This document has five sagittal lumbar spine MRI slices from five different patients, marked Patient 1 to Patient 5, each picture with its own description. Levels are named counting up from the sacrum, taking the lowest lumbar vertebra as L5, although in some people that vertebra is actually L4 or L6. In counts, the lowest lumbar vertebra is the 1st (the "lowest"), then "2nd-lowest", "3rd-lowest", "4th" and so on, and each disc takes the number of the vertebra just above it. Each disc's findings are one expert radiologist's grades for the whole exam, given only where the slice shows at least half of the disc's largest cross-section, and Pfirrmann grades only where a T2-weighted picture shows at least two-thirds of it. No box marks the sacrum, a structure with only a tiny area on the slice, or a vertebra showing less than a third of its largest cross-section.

Patient 1 of 5:
Field of view 300x300 mm, Lumbar spine MR, T1-weighted, sagittal, Image 512x512, Sagittal slice index 14
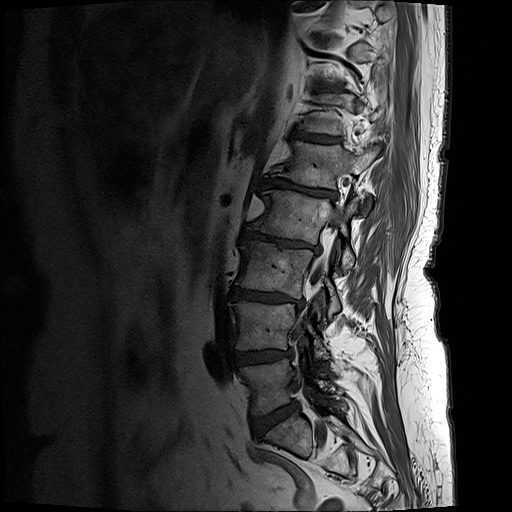 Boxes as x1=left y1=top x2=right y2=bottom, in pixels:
L3/L4: x1=230 y1=287 x2=303 y2=306.
L3: x1=236 y1=241 x2=338 y2=318.
Thecal sac / spinal canal: x1=306 y1=257 x2=327 y2=302.
L5/S1: x1=252 y1=403 x2=297 y2=438.
L1 vertebra: x1=281 y1=141 x2=377 y2=189.
L1/L2: x1=263 y1=179 x2=336 y2=198.
T12/L1: x1=292 y1=131 x2=337 y2=142.
Disc L2/L3: x1=242 y1=230 x2=319 y2=251.
L2 vertebra: x1=247 y1=191 x2=357 y2=272.
L5: x1=242 y1=358 x2=335 y2=414.
L4/L5: x1=234 y1=349 x2=291 y2=366.
L4: x1=233 y1=303 x2=328 y2=360.

Per-level radiological findings:
- L3/L4: disc narrowing, Modic type II, disc bulging, lower-endplate change, upper-endplate change
- L1/L2: disc bulging, upper-endplate change, lower-endplate change, Modic type II, disc narrowing
- L2/L3: upper-endplate change, disc bulging, lower-endplate change, Modic type II, disc narrowing
- T12/L1: Modic type II, upper-endplate change, lower-endplate change
- L5/S1: disc bulging
- L4/L5: disc bulging, upper-endplate change, lower-endplate change

Patient 2 of 5:
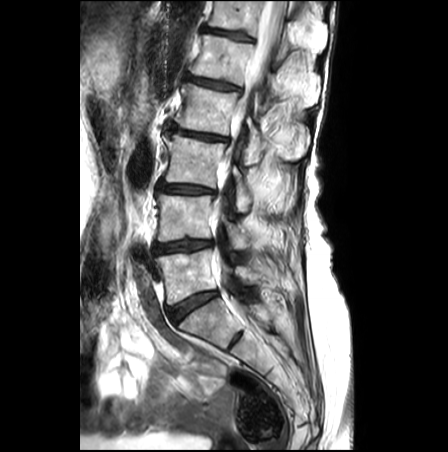 448x452 px; Slice 17/27; Sagittal T2-weighted lumbar spine MRI
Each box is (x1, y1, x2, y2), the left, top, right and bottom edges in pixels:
intervertebral disc L5/S1 at (167, 291, 217, 323) | L3 vertebra at (164, 132, 295, 212) | thecal sac / spinal canal at (213, 1, 284, 290) | L4 at (157, 194, 250, 248) | L1 at (191, 34, 320, 111) | intervertebral disc L4/L5 at (154, 239, 212, 253) | T12/L1 at (204, 27, 252, 40) | L2 at (174, 83, 309, 164) | L5 at (156, 249, 261, 304) | L2/L3 at (172, 125, 227, 141) | intervertebral disc L3/L4 at (158, 182, 215, 194) | T12 at (209, 1, 327, 65) | intervertebral disc L1/L2 at (190, 76, 238, 90)

Degenerative findings by level:
- L2/L3: Pfirrmann grade 3, disc narrowing, disc bulging, upper-endplate change, lower-endplate change, Modic type II
- L1/L2: Pfirrmann grade 3, lower-endplate change, upper-endplate change, disc bulging
- L5/S1: Pfirrmann grade 3
- L4/L5: Pfirrmann grade 3, lower-endplate change, disc bulging, Modic type II, disc narrowing, upper-endplate change
- T12/L1: Pfirrmann grade 3, upper-endplate change, lower-endplate change
- L3/L4: Pfirrmann grade 3, disc bulging, Modic type II, disc narrowing, lower-endplate change, upper-endplate change

Patient 3 of 5:
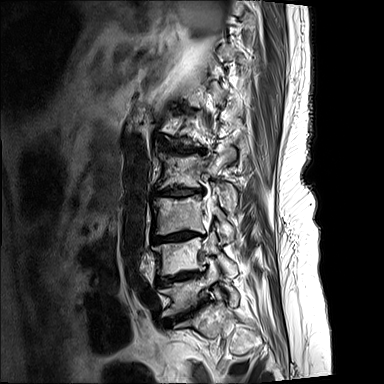 T2-weighted sagittal MRI of the lumbar spine

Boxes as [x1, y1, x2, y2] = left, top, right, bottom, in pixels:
L2/L3 — [154, 187, 203, 197].
L5 — [160, 264, 239, 316].
L3 vertebra — [152, 195, 235, 241].
Disc L1/L2 — [163, 146, 203, 154].
Disc L3/L4 — [152, 230, 204, 243].
L4/L5 — [155, 271, 201, 286].
Disc L5/S1 — [163, 298, 207, 323].
L4 vertebra — [152, 230, 238, 278].
Spinal canal — [206, 203, 212, 241].
L2 vertebra — [155, 149, 235, 203].

Degenerative findings by level:
- L4/L5: Pfirrmann grade 5, Modic type II, disc bulging, disc narrowing, upper-endplate change, lower-endplate change
- L1/L2: lower-endplate change, disc narrowing, Modic type I, disc bulging, upper-endplate change
- L3/L4: Pfirrmann grade 5, disc bulging, lower-endplate change, disc narrowing, upper-endplate change, Modic type II
- L5/S1: Pfirrmann grade 5, Modic type II, upper-endplate change, lower-endplate change, disc narrowing, disc bulging
- L2/L3: Pfirrmann grade 5, Modic type I, upper-endplate change, disc bulging, disc narrowing, lower-endplate change

Patient 4 of 5:
Image 512x640. Scanner: SIEMENS Avanto_fit (1.5T). Sex F. T2 SPACE (3D) sagittal MRI of the lumbar spine. Slice 67 of 120.
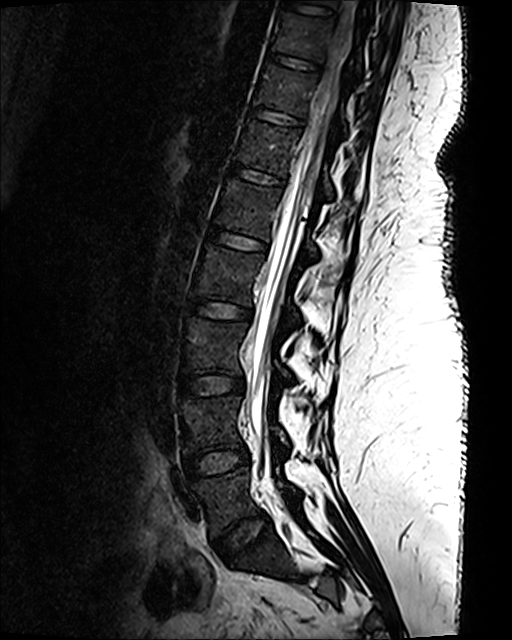
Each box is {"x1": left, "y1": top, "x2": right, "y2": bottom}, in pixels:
• intervertebral disc T10/T11 (8th disc) = {"x1": 268, "y1": 52, "x2": 319, "y2": 71}
• intervertebral disc T11/T12 (7th disc) = {"x1": 250, "y1": 107, "x2": 302, "y2": 126}
• L3/L4 (3rd-lowest disc) = {"x1": 179, "y1": 374, "x2": 244, "y2": 396}
• spinal canal = {"x1": 247, "y1": 0, "x2": 357, "y2": 479}
• L1 (5th vertebra) = {"x1": 213, "y1": 179, "x2": 318, "y2": 258}
• intervertebral disc L2/L3 (4th disc) = {"x1": 188, "y1": 298, "x2": 251, "y2": 319}
• L5/S1 (lowest disc) = {"x1": 214, "y1": 512, "x2": 270, "y2": 562}
• L1/L2 (5th disc) = {"x1": 208, "y1": 228, "x2": 266, "y2": 250}
• L4 (2nd-lowest vertebra) = {"x1": 179, "y1": 394, "x2": 290, "y2": 453}
• intervertebral disc T12/L1 (6th disc) = {"x1": 230, "y1": 164, "x2": 283, "y2": 185}
• L4/L5 (2nd-lowest disc) = {"x1": 185, "y1": 446, "x2": 249, "y2": 479}
• T10 (8th vertebra) = {"x1": 273, "y1": 11, "x2": 360, "y2": 74}
• L2 (4th vertebra) = {"x1": 192, "y1": 244, "x2": 300, "y2": 317}
• L3 (3rd-lowest vertebra) = {"x1": 182, "y1": 317, "x2": 292, "y2": 378}
• L5 (lowest vertebra) = {"x1": 191, "y1": 467, "x2": 297, "y2": 537}
• T12 (6th vertebra) = {"x1": 236, "y1": 121, "x2": 334, "y2": 197}
• T11 (7th vertebra) = {"x1": 254, "y1": 64, "x2": 347, "y2": 133}

Degenerative findings by level:
- T12/L1 (6th disc): Pfirrmann grade 1
- L5/S1 (lowest disc): Pfirrmann grade 1
- L3/L4 (3rd-lowest disc): Pfirrmann grade 1
- L2/L3 (4th disc): Pfirrmann grade 1
- T10/T11 (8th disc): Pfirrmann grade 1
- L1/L2 (5th disc): Pfirrmann grade 1
- T11/T12 (7th disc): Pfirrmann grade 1
- L4/L5 (2nd-lowest disc): Pfirrmann grade 1

Patient 5 of 5:
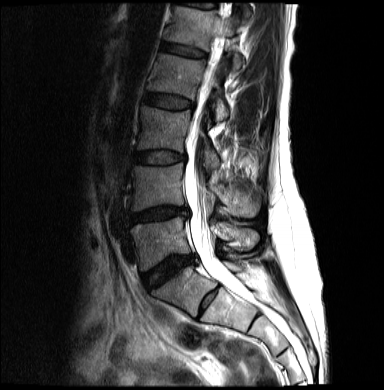 Sex F. Image 384x390. T2-weighted sagittal MRI of the lumbar spine. Field of view 260x264 mm, slice spacing 4.8 mm.
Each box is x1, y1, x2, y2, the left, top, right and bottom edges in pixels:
Annotations:
• 4th disc: 145, 93, 192, 109
• 2nd-lowest vertebra: 130, 163, 259, 217
• lowest vertebra: 129, 217, 259, 271
• 5th vertebra: 165, 6, 243, 71
• 3rd-lowest disc: 134, 151, 184, 164
• 4th vertebra: 147, 53, 228, 120
• 3rd-lowest vertebra: 137, 106, 219, 166
• 2nd-lowest disc: 129, 207, 188, 223
• lowest disc: 143, 255, 193, 289
• 5th disc: 161, 42, 206, 58
• spinal canal: 184, 38, 250, 301

Expert MSK radiologist gradings (per disc):
- 2nd-lowest disc: Pfirrmann grade 4, disc narrowing, lower-endplate change, disc bulging, upper-endplate change
- 3rd-lowest disc: Pfirrmann grade 2
- 4th disc: Pfirrmann grade 2
- lowest disc: Pfirrmann grade 4, disc bulging, disc narrowing
- 5th disc: Pfirrmann grade 2